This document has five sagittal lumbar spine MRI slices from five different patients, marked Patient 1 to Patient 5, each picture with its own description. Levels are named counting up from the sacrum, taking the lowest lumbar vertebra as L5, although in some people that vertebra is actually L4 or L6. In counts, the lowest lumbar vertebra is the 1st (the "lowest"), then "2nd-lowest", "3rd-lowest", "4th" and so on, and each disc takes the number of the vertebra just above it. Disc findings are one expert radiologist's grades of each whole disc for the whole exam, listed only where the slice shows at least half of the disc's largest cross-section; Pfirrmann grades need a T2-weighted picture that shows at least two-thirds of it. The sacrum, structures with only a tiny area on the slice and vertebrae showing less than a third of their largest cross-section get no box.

Patient 1 of 5:
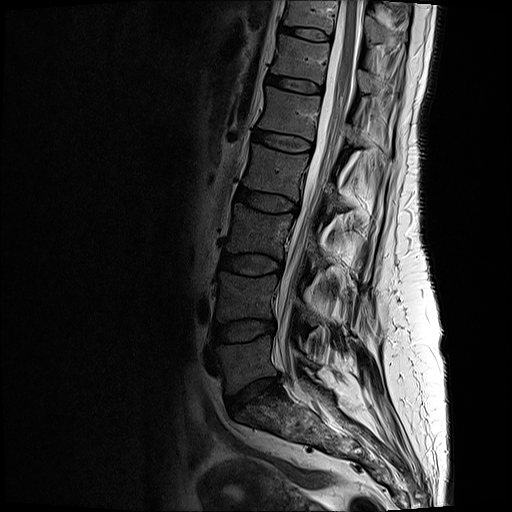 Sagittal slice index 7; T2-weighted sagittal MRI of the lumbar spine
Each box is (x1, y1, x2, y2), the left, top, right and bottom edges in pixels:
* 5th disc at (254, 129, 312, 150)
* 7th vertebra at (284, 0, 406, 46)
* 4th disc at (236, 187, 297, 212)
* 3rd-lowest disc at (220, 253, 281, 274)
* 7th disc at (277, 23, 329, 41)
* 3rd-lowest vertebra at (226, 203, 327, 266)
* 5th vertebra at (258, 86, 392, 155)
* lowest disc at (227, 376, 281, 413)
* 2nd-lowest disc at (214, 319, 275, 341)
* 2nd-lowest vertebra at (217, 272, 317, 323)
* 4th vertebra at (244, 144, 347, 209)
* lowest vertebra at (217, 336, 316, 393)
* spinal canal at (277, 0, 360, 397)
* 6th disc at (267, 74, 321, 92)
* 6th vertebra at (271, 34, 375, 91)

Per-level radiological findings:
• 5th disc: Pfirrmann grade 2
• 2nd-lowest disc: Pfirrmann grade 3, disc bulging
• 7th disc: Pfirrmann grade 2
• lowest disc: Pfirrmann grade 3, disc narrowing, disc herniation, upper-endplate change, lower-endplate change
• 4th disc: Pfirrmann grade 3, disc bulging
• 3rd-lowest disc: Pfirrmann grade 3
• 6th disc: Pfirrmann grade 2

Patient 2 of 5:
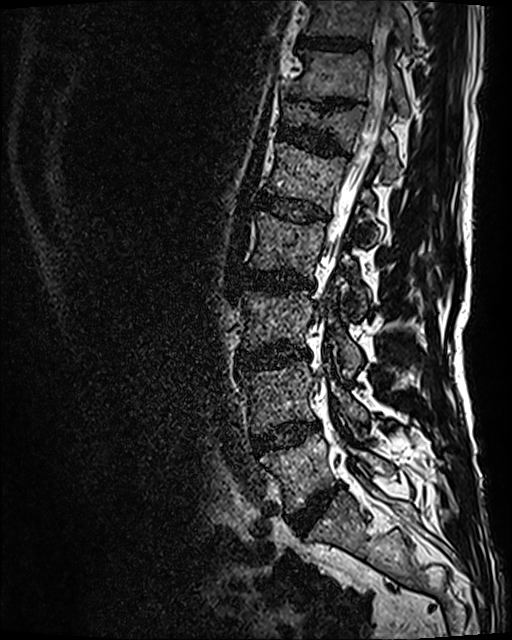
T2 SPACE (3D) sagittal MRI of the lumbar spine, Slice 73 of 120
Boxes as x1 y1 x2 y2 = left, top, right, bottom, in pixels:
L1 vertebra = 267 142 378 244 | L5 = 261 433 392 512 | L3 = 242 290 363 378 | T10 = 305 0 411 47 | T11/T12 = 318 100 352 109 | disc L3/L4 = 238 347 308 368 | L5/S1 = 289 488 335 533 | disc T10/T11 = 300 37 364 49 | L4 vertebra = 240 360 367 433 | disc L1/L2 = 258 193 327 221 | L2/L3 = 238 269 314 291 | L2 = 249 212 365 318 | T12/L1 = 278 119 349 155 | T11 = 290 50 408 114 | disc L4/L5 = 253 423 318 453 | spinal canal = 313 0 393 455 | T12 = 282 103 398 181

Per-level radiological findings:
  L4/L5: Pfirrmann grade 3, disc bulging, Modic type II
  L2/L3: Pfirrmann grade 3, disc bulging, Modic type II
  L3/L4: Pfirrmann grade 4, disc narrowing, Modic type II, disc bulging
  L1/L2: Pfirrmann grade 3
  T10/T11: Pfirrmann grade 3
  T12/L1: Pfirrmann grade 3, lower-endplate change, upper-endplate change
  T11/T12: upper-endplate change, disc narrowing, lower-endplate change
  L5/S1: Pfirrmann grade 4, disc bulging, disc narrowing

Patient 3 of 5:
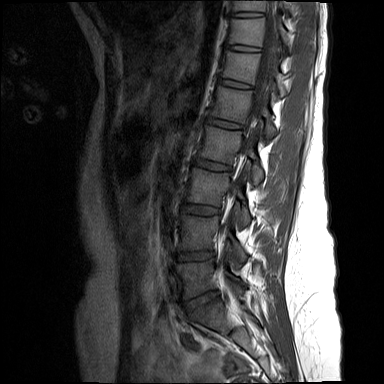 T1-weighted sagittal MRI of the lumbar spine; Sex F; Image 384x384; Slice 10 of 15
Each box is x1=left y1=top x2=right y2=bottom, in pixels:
Structures:
* L1/L2: x1=206 y1=117 x2=241 y2=128
* disc L2/L3: x1=194 y1=158 x2=230 y2=170
* L2: x1=199 y1=125 x2=263 y2=184
* L5 vertebra: x1=177 y1=259 x2=246 y2=298
* disc T12/L1: x1=219 y1=79 x2=251 y2=88
* disc L4/L5: x1=178 y1=251 x2=214 y2=260
* disc T11/T12: x1=226 y1=44 x2=259 y2=51
* T11 vertebra: x1=229 y1=18 x2=288 y2=46
* L4: x1=179 y1=214 x2=246 y2=261
* L3 vertebra: x1=187 y1=167 x2=250 y2=224
* L3/L4: x1=182 y1=203 x2=219 y2=214
* L1: x1=211 y1=86 x2=276 y2=138
* disc L5/S1: x1=185 y1=291 x2=217 y2=310
* spinal canal: x1=224 y1=1 x2=279 y2=224
* T10: x1=233 y1=0 x2=293 y2=11
* disc T10/T11: x1=234 y1=12 x2=263 y2=16
* T12 vertebra: x1=223 y1=50 x2=286 y2=96

Radiological gradings:
• L3/L4, L2/L3, L4/L5, T10/T11, T12/L1, T11/T12, L5/S1, L1/L2: no Modic or endplate change, herniation, narrowing, bulging or spondylolisthesis recorded

Patient 4 of 5:
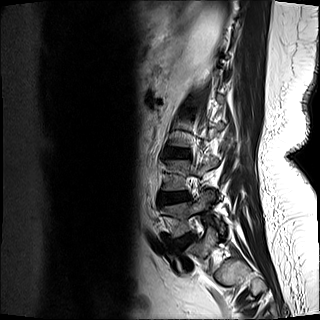 T2-weighted sagittal MRI of the lumbar spine | Image 320x320 | Sex F
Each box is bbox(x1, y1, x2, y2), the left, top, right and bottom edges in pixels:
Segmented structures:
- L4 — bbox(162, 158, 218, 190)
- intervertebral disc L5/S1 — bbox(173, 233, 196, 249)
- L3/L4 — bbox(165, 149, 189, 157)
- L5 vertebra — bbox(161, 195, 224, 236)
- intervertebral disc L4/L5 — bbox(159, 192, 188, 203)

Per-level radiological findings:
• L4/L5: Pfirrmann grade 3, disc narrowing, Modic type II, disc bulging
• L3/L4: lower-endplate change

Patient 5 of 5:
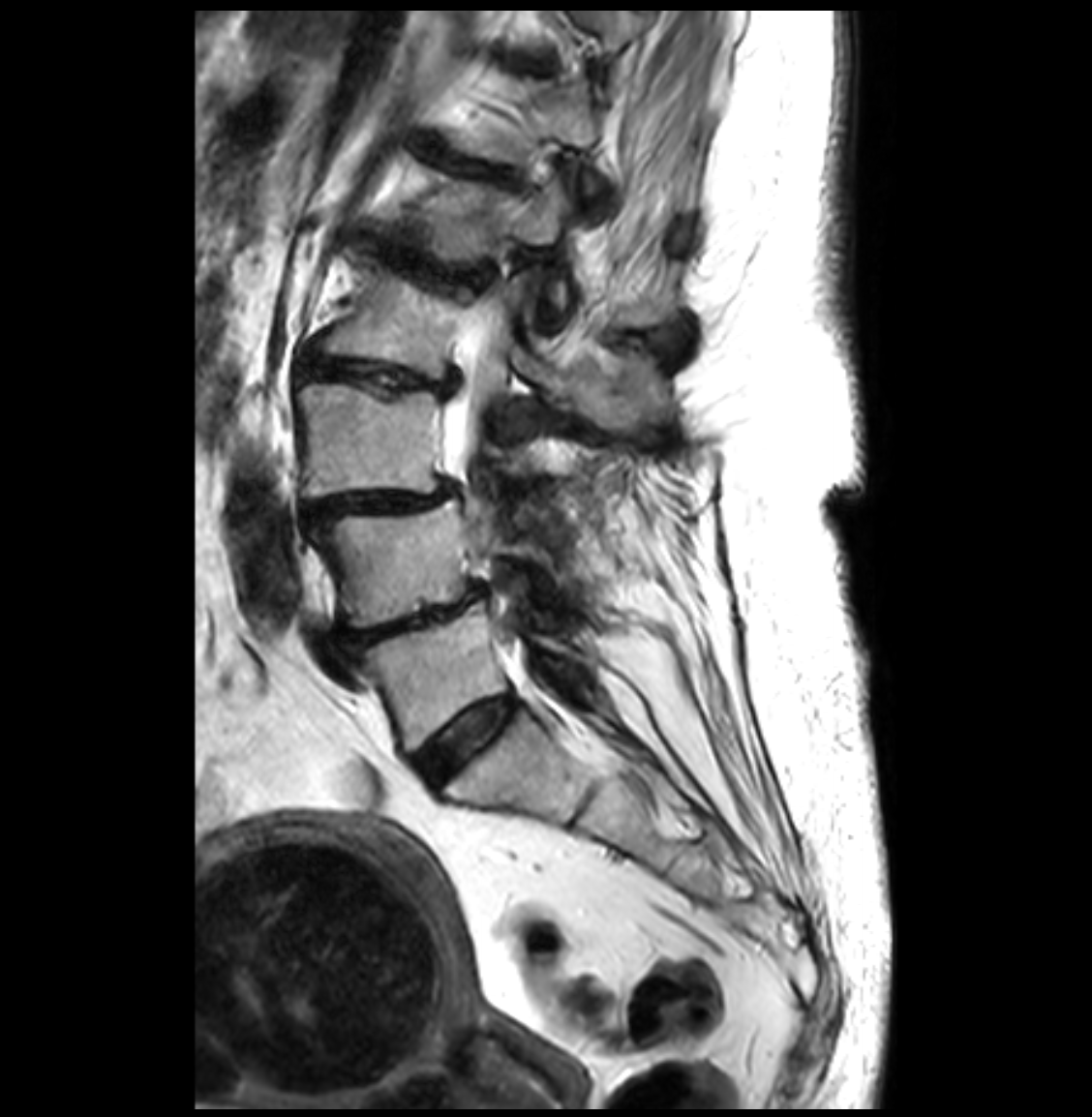

Lumbar spine MR, T2-weighted, sagittal. Slice 18/33. Slice spacing 3.3 mm.

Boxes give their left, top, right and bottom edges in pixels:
Thecal sac / spinal canal: left=443, top=305, right=511, bottom=555.
4th vertebra: left=326, top=260, right=667, bottom=430.
2nd-lowest disc: left=344, top=588, right=482, bottom=653.
5th disc: left=382, top=251, right=487, bottom=281.
4th disc: left=300, top=337, right=455, bottom=394.
5th vertebra: left=422, top=171, right=675, bottom=325.
6th disc: left=458, top=162, right=506, bottom=177.
3rd-lowest disc: left=305, top=485, right=452, bottom=522.
Lowest vertebra: left=361, top=602, right=577, bottom=751.
2nd-lowest vertebra: left=310, top=499, right=531, bottom=627.
3rd-lowest vertebra: left=297, top=382, right=523, bottom=497.
Lowest disc: left=412, top=696, right=516, bottom=786.

Degenerative findings by level:
• 2nd-lowest disc: disc bulging, disc narrowing
• 4th disc: Pfirrmann grade 4, disc bulging, upper-endplate change, lower-endplate change, disc narrowing
• lowest disc: Pfirrmann grade 2
• 3rd-lowest disc: Pfirrmann grade 4, disc bulging, disc narrowing, spondylolisthesis